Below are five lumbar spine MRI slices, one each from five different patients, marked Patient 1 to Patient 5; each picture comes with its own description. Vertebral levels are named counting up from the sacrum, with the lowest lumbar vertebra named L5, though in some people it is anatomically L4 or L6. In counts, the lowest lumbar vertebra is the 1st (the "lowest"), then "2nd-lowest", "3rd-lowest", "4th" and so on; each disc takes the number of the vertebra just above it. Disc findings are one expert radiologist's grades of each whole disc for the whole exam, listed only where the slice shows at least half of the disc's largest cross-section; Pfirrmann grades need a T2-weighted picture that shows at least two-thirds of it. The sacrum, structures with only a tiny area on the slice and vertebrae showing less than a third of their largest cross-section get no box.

Patient 1 of 5:
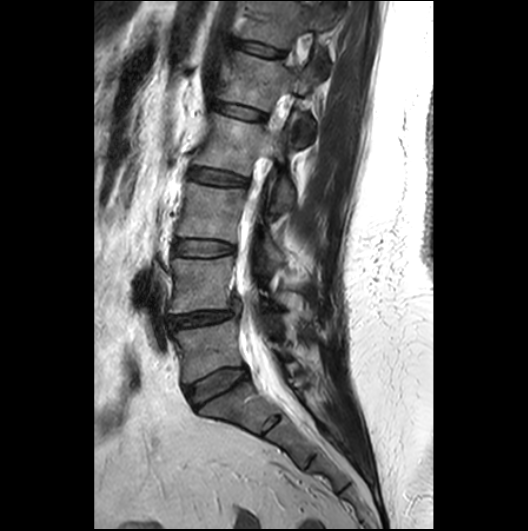 MRI lumbar spine (T2-weighted), sagittal plane

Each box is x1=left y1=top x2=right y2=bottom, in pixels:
L5 vertebra at x1=174 y1=319 x2=285 y2=382, L3 vertebra at x1=178 y1=182 x2=284 y2=265, L3/L4 at x1=174 y1=239 x2=235 y2=256, L1 at x1=220 y1=47 x2=319 y2=145, T12 vertebra at x1=243 y1=1 x2=333 y2=48, disc L2/L3 at x1=190 y1=168 x2=246 y2=184, L2 vertebra at x1=193 y1=113 x2=293 y2=211, spinal canal at x1=234 y1=84 x2=303 y2=416, L4 vertebra at x1=170 y1=256 x2=283 y2=314, L1/L2 at x1=214 y1=102 x2=265 y2=120, disc L5/S1 at x1=186 y1=367 x2=246 y2=406, T12/L1 at x1=237 y1=40 x2=283 y2=55, disc L4/L5 at x1=168 y1=311 x2=233 y2=328.

Radiological gradings:
- L1/L2: Pfirrmann grade 2
- L4/L5: Pfirrmann grade 3, disc herniation, disc narrowing
- L2/L3: Pfirrmann grade 2
- T12/L1: Pfirrmann grade 2
- L5/S1: Pfirrmann grade 3
- L3/L4: Pfirrmann grade 2

Patient 2 of 5:
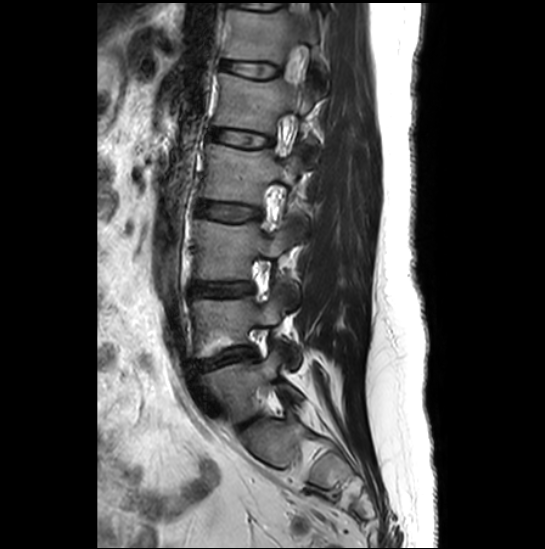 Field of view 280x282 mm, slice spacing 3.3 mm, Lumbar spine MR, T2-weighted, sagittal

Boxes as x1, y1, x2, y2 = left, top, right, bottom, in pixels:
Annotations:
- L3/L4 (3rd-lowest disc): 191, 283, 252, 296
- intervertebral disc L5/S1 (lowest disc): 238, 418, 253, 428
- intervertebral disc L1/L2 (5th disc): 208, 128, 271, 146
- L1 (5th vertebra): 213, 73, 323, 165
- L5 (lowest vertebra): 202, 348, 303, 421
- T12/L1 (6th disc): 221, 61, 279, 77
- L2 (4th vertebra): 198, 144, 308, 231
- L4 (2nd-lowest vertebra): 192, 289, 302, 369
- thecal sac / spinal canal: 288, 3, 308, 85
- T12 (6th vertebra): 223, 9, 329, 95
- intervertebral disc L4/L5 (2nd-lowest disc): 198, 347, 256, 369
- L3 (3rd-lowest vertebra): 193, 220, 301, 307
- intervertebral disc L2/L3 (4th disc): 196, 202, 261, 221

Expert MSK radiologist gradings (per disc):
  L2/L3 (4th disc): Pfirrmann grade 4
  L1/L2 (5th disc): Pfirrmann grade 1
  T12/L1 (6th disc): Pfirrmann grade 1
  L3/L4 (3rd-lowest disc): no herniation, bulging, narrowing, spondylolisthesis, endplate or Modic change recorded

Patient 3 of 5:
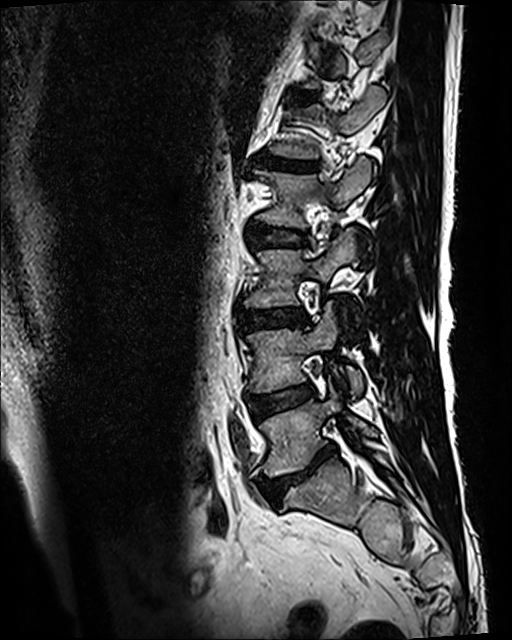
Slice 39/120. Sagittal T2 SPACE (3D) lumbar spine MRI. Image 512x640. Patient sex: M.
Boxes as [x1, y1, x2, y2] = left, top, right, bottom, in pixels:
Segmented structures:
• L3 (3rd-lowest vertebra): [244, 228, 359, 321]
• T12/L1 (6th disc): [292, 93, 315, 101]
• L5 (lowest vertebra): [259, 384, 377, 477]
• L2/L3 (4th disc): [248, 224, 307, 247]
• L2 (4th vertebra): [257, 157, 376, 227]
• L4 (2nd-lowest vertebra): [246, 302, 363, 396]
• L1 (5th vertebra): [270, 86, 385, 158]
• L3/L4 (3rd-lowest disc): [238, 309, 308, 331]
• L5/S1 (lowest disc): [261, 447, 335, 503]
• L4/L5 (2nd-lowest disc): [249, 385, 313, 417]
• intervertebral disc L1/L2 (5th disc): [259, 157, 317, 171]

Expert MSK radiologist gradings (per disc):
• L2/L3 (4th disc): Pfirrmann grade 3
• L4/L5 (2nd-lowest disc): Modic type II
• L5/S1 (lowest disc): Pfirrmann grade 5, Modic type II, disc bulging, disc narrowing, upper-endplate change, lower-endplate change
• L1/L2 (5th disc): disc bulging, upper-endplate change, lower-endplate change, Modic type II, disc narrowing
• L3/L4 (3rd-lowest disc): Pfirrmann grade 3, upper-endplate change, lower-endplate change, disc bulging

Patient 4 of 5:
Lumbar spine MR, T1-weighted, sagittal | 794x797 px

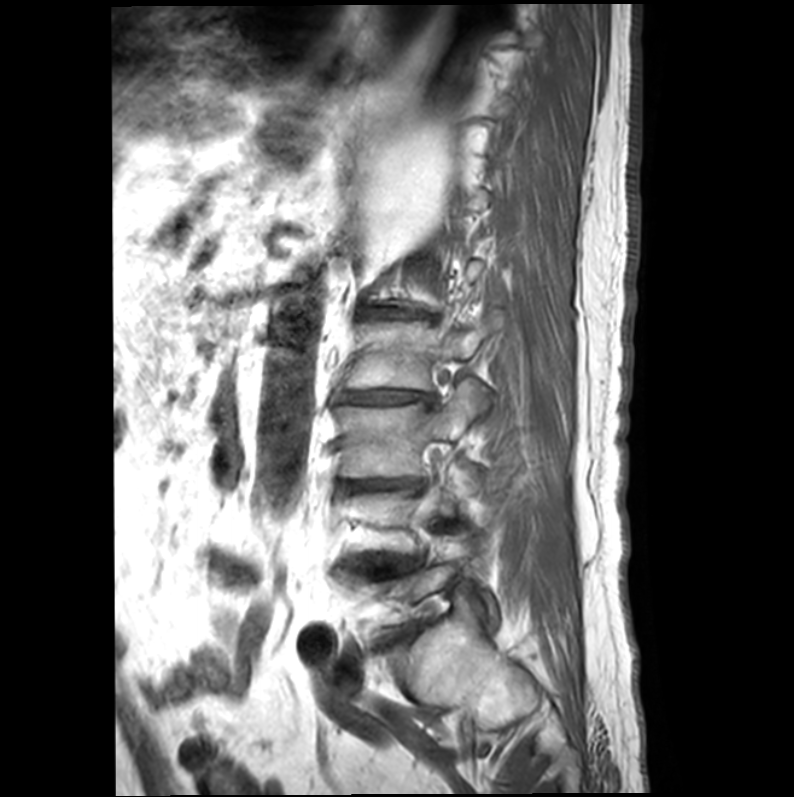

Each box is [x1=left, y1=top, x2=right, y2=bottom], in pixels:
3rd-lowest disc: [x1=338, y1=478, x2=425, y2=491]
4th disc: [x1=338, y1=390, x2=432, y2=405]
5th disc: [x1=358, y1=308, x2=424, y2=318]
2nd-lowest disc: [x1=375, y1=559, x2=417, y2=576]
3rd-lowest vertebra: [x1=337, y1=381, x2=482, y2=477]
4th vertebra: [x1=344, y1=320, x2=483, y2=391]

Per-level radiological findings:
  4th disc: upper-endplate change, lower-endplate change, disc bulging, Modic type II, disc narrowing
  3rd-lowest disc: upper-endplate change, lower-endplate change, Modic type II, disc bulging, disc narrowing

Patient 5 of 5:
Slice 20/26. Slice spacing 3.3 mm. Image 448x448. Sagittal T1-weighted lumbar spine MRI.

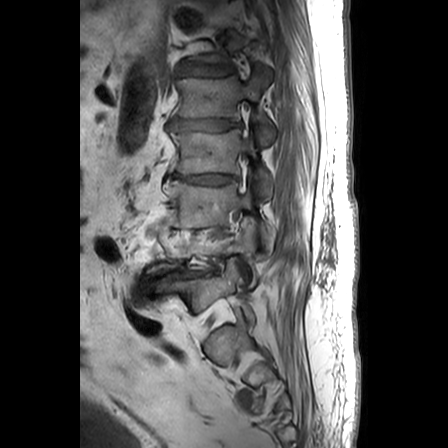 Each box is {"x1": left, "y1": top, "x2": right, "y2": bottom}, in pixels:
L1 vertebra: {"x1": 172, "y1": 68, "x2": 274, "y2": 145}
L3: {"x1": 164, "y1": 180, "x2": 270, "y2": 246}
L2: {"x1": 170, "y1": 129, "x2": 272, "y2": 200}
disc L3/L4: {"x1": 171, "y1": 224, "x2": 228, "y2": 229}
disc L4/L5: {"x1": 145, "y1": 270, "x2": 213, "y2": 283}
disc L1/L2: {"x1": 167, "y1": 119, "x2": 230, "y2": 130}
L2/L3: {"x1": 169, "y1": 174, "x2": 234, "y2": 184}
L4: {"x1": 146, "y1": 219, "x2": 256, "y2": 287}
L5: {"x1": 159, "y1": 262, "x2": 255, "y2": 321}
disc T12/L1: {"x1": 177, "y1": 65, "x2": 233, "y2": 75}

Radiological gradings:
  L1/L2: disc bulging, disc narrowing
  L2/L3: disc narrowing, disc bulging
  T12/L1: disc herniation, disc bulging, disc narrowing